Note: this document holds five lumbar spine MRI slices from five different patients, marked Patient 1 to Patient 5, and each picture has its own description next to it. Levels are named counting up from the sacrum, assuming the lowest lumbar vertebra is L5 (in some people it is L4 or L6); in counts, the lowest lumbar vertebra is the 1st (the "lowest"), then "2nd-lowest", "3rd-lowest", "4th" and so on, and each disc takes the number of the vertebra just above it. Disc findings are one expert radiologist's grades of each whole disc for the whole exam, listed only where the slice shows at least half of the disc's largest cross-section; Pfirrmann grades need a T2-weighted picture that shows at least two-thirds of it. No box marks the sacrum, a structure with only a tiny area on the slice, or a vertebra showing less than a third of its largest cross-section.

Patient 1 of 5:
Lumbar spine MR, T2-weighted, sagittal. 512x512 px. Sex M. Field of view 300x300 mm.

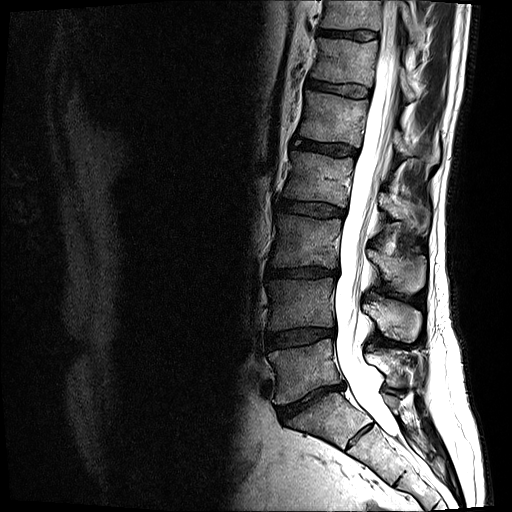 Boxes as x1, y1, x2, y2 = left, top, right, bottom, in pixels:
- L4 at 267, 277, 422, 342
- L5/S1 at 277, 383, 345, 419
- T11 at 320, 0, 417, 40
- L5 at 269, 339, 415, 405
- L3/L4 at 266, 267, 338, 277
- L4/L5 at 267, 328, 334, 349
- T12 at 312, 38, 416, 101
- L3 vertebra at 270, 213, 425, 293
- L2 vertebra at 283, 150, 428, 231
- thecal sac / spinal canal at 334, 0, 398, 435
- disc T12/L1 at 306, 79, 370, 97
- L1 vertebra at 299, 91, 439, 164
- L2/L3 at 278, 199, 344, 217
- disc L1/L2 at 293, 138, 357, 156
- disc T11/T12 at 318, 29, 377, 40

Per-level radiological findings:
- L2/L3: Pfirrmann grade 3, disc bulging
- L5/S1: Pfirrmann grade 5, Modic type II, disc narrowing, disc bulging
- T11/T12: Pfirrmann grade 4
- L4/L5: Pfirrmann grade 3, disc narrowing, disc bulging
- L1/L2: Pfirrmann grade 4
- T12/L1: Pfirrmann grade 3
- L3/L4: Pfirrmann grade 4, disc narrowing, disc bulging, lower-endplate change

Patient 2 of 5:
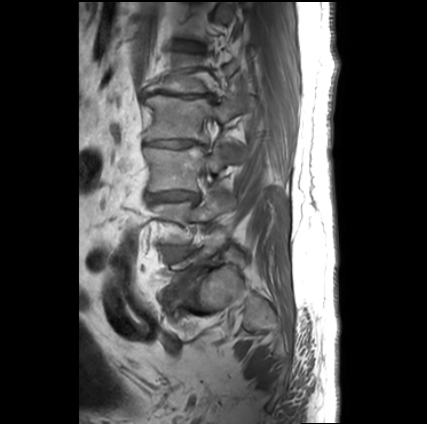 Sagittal T1-weighted lumbar spine MRI. Sex M. Slice 9/30. Image 427x424.
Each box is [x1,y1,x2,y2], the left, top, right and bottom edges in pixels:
3rd-lowest vertebra: [143,146,227,191]
2nd-lowest vertebra: [153,188,226,243]
3rd-lowest disc: [147,191,198,202]
5th disc: [149,90,212,98]
4th disc: [147,140,197,147]
2nd-lowest disc: [164,246,193,260]
4th vertebra: [141,95,249,157]
5th vertebra: [145,54,240,92]
lowest disc: [187,266,204,281]

Radiological gradings:
• 3rd-lowest disc: disc narrowing, disc bulging, lower-endplate change, upper-endplate change, Modic type II
• 5th disc: disc bulging, upper-endplate change, Modic type II, disc narrowing, disc herniation, lower-endplate change
• 4th disc: disc narrowing, lower-endplate change, upper-endplate change, disc bulging, Modic type II

Patient 3 of 5:
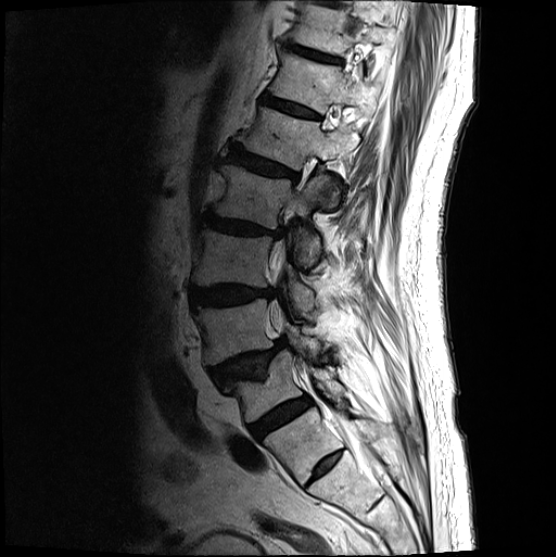 Patient sex: M; T2-weighted sagittal MRI of the lumbar spine

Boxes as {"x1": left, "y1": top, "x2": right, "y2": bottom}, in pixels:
Disc L2/L3 (4th disc): {"x1": 201, "y1": 213, "x2": 284, "y2": 238}.
T12/L1 (6th disc): {"x1": 262, "y1": 94, "x2": 319, "y2": 118}.
Disc L3/L4 (3rd-lowest disc): {"x1": 191, "y1": 285, "x2": 275, "y2": 306}.
Disc T11/T12 (7th disc): {"x1": 285, "y1": 42, "x2": 342, "y2": 63}.
Spinal canal: {"x1": 270, "y1": 245, "x2": 376, "y2": 466}.
L5 (lowest vertebra): {"x1": 225, "y1": 349, "x2": 345, "y2": 422}.
L4/L5 (2nd-lowest disc): {"x1": 211, "y1": 338, "x2": 287, "y2": 386}.
L3 (3rd-lowest vertebra): {"x1": 192, "y1": 229, "x2": 314, "y2": 314}.
T12 (6th vertebra): {"x1": 270, "y1": 53, "x2": 378, "y2": 114}.
L2 (4th vertebra): {"x1": 211, "y1": 164, "x2": 329, "y2": 265}.
L5/S1 (lowest disc): {"x1": 249, "y1": 396, "x2": 312, "y2": 438}.
L4 (2nd-lowest vertebra): {"x1": 195, "y1": 299, "x2": 320, "y2": 364}.
L1/L2 (5th disc): {"x1": 229, "y1": 148, "x2": 298, "y2": 180}.
T11 (7th vertebra): {"x1": 292, "y1": 5, "x2": 390, "y2": 55}.
L1 (5th vertebra): {"x1": 243, "y1": 107, "x2": 359, "y2": 205}.

Expert MSK radiologist gradings (per disc):
• L2/L3 (4th disc): Pfirrmann grade 4, lower-endplate change, disc narrowing, upper-endplate change, disc bulging
• T12/L1 (6th disc): Pfirrmann grade 3
• L5/S1 (lowest disc): Pfirrmann grade 4
• L3/L4 (3rd-lowest disc): Pfirrmann grade 4, disc bulging
• L4/L5 (2nd-lowest disc): Pfirrmann grade 4, spondylolisthesis, disc herniation, upper-endplate change
• L1/L2 (5th disc): Pfirrmann grade 4, disc bulging, upper-endplate change, lower-endplate change
• T11/T12 (7th disc): Pfirrmann grade 3, lower-endplate change

Patient 4 of 5:
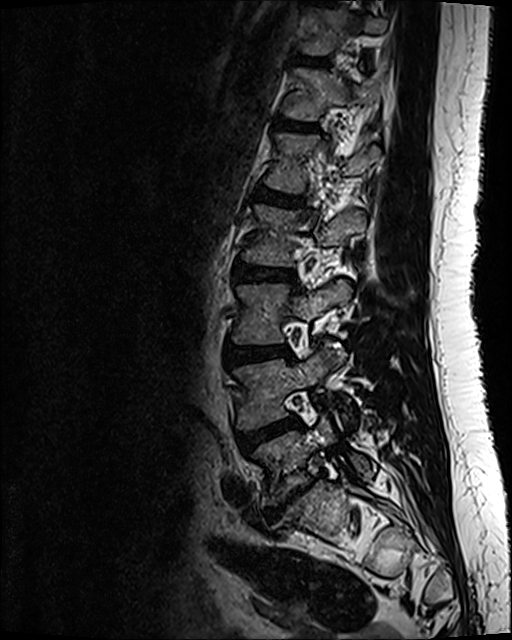 T2 SPACE (3D) sagittal MRI of the lumbar spine, Sex F, Slice 39 of 120

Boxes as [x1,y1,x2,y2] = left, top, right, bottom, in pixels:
IVD L2/L3: [236,264,293,280]
L5/S1: [263,488,305,520]
L4/L5: [238,418,300,449]
L3/L4: [226,346,289,365]
T12/L1: [277,119,316,131]
L1/L2: [255,188,303,206]
L2 vertebra: [245,207,365,265]
T11/T12: [296,57,324,63]
T12: [286,69,378,119]
L5 vertebra: [255,417,373,504]
L4 vertebra: [236,345,345,428]
L1: [267,134,379,192]
L3 vertebra: [233,280,351,344]

Per-level radiological findings:
• L4/L5: disc bulging
• L3/L4: disc bulging
• L1/L2, L2/L3, T12/L1: no spondylolisthesis, narrowing, bulging, herniation, Modic or endplate change recorded

Patient 5 of 5:
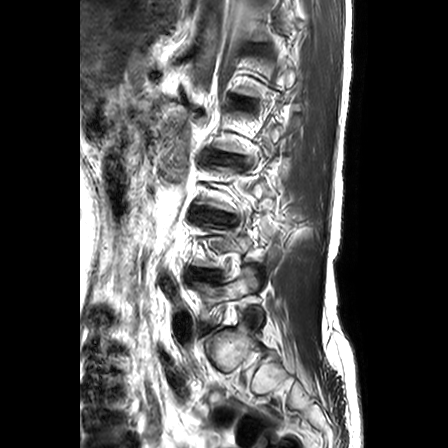 Sagittal T2-weighted lumbar spine MRI, Sagittal slice index 19
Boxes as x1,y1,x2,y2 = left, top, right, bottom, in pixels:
Segmented structures:
* IVD L3/L4 — 194,209,229,221
* L5 — 193,266,264,327
* L4/L5 — 191,269,218,281